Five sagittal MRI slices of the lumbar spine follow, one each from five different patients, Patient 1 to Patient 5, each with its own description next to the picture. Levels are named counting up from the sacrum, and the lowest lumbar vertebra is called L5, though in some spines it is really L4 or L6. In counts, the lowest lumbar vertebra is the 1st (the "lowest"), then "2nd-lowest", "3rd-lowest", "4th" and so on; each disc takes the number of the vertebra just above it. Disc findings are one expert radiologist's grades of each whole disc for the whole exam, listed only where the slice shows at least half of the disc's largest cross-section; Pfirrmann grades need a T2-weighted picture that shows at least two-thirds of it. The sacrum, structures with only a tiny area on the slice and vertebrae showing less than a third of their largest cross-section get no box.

Patient 1 of 5:
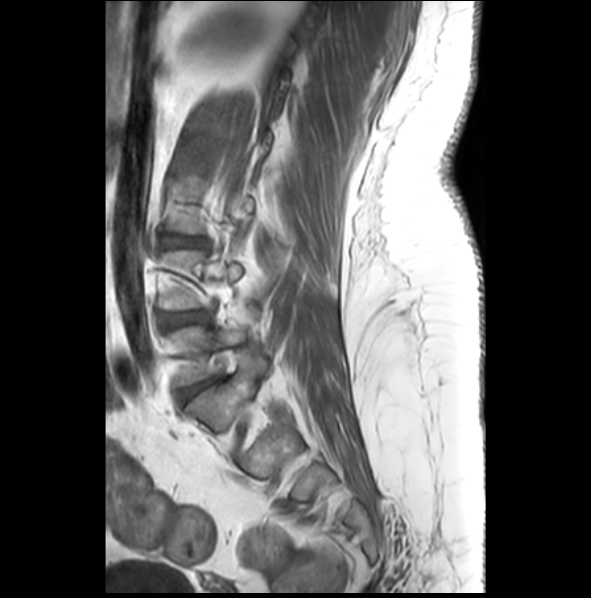 Lumbar spine MR, T1-weighted, sagittal
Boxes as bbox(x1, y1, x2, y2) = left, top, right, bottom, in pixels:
3rd-lowest disc at bbox(164, 233, 205, 245); lowest vertebra at bbox(170, 307, 258, 384); lowest disc at bbox(181, 376, 218, 401); 2nd-lowest disc at bbox(164, 312, 206, 326).

Degenerative findings by level:
  3rd-lowest disc: disc bulging, disc narrowing, upper-endplate change, Modic type II, lower-endplate change

Patient 2 of 5:
Field of view 240x300 mm, slice spacing 0.9 mm. Sagittal T2 SPACE (3D) lumbar spine MRI. 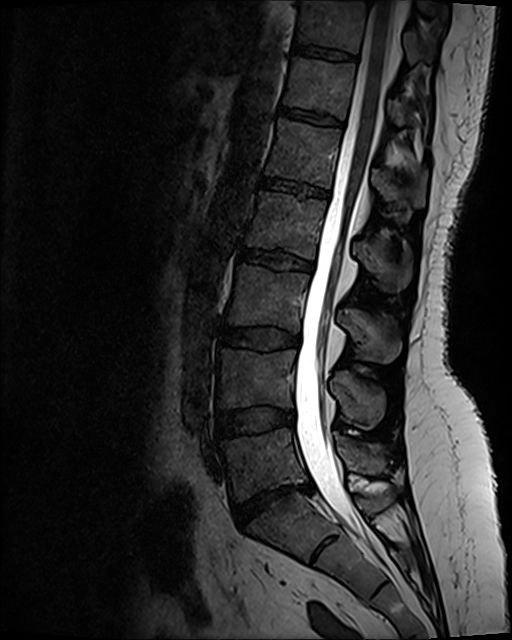
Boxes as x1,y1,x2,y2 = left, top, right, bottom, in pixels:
L5/S1 — 233,485,311,528 | T12/L1 — 280,107,342,129 | L2 vertebra — 244,193,411,290 | L4 vertebra — 219,350,384,428 | L1 vertebra — 267,120,426,207 | T11 — 300,2,430,63 | intervertebral disc L1/L2 — 261,179,328,198 | intervertebral disc T11/T12 — 293,47,354,60 | L3/L4 — 221,328,299,349 | L3 — 227,266,400,363 | L2/L3 — 239,249,313,270 | L5 — 221,428,385,500 | L4/L5 — 216,408,292,438 | T12 vertebra — 285,58,406,125 | spinal canal — 294,1,394,547

Radiological gradings:
  L1/L2: Pfirrmann grade 2, upper-endplate change, lower-endplate change
  L5/S1: Pfirrmann grade 1, disc narrowing, disc herniation, disc bulging
  L3/L4: Pfirrmann grade 2, disc bulging
  L2/L3: Pfirrmann grade 4, disc bulging, lower-endplate change, upper-endplate change
  T11/T12: Pfirrmann grade 2
  T12/L1: Pfirrmann grade 2, upper-endplate change, lower-endplate change
  L4/L5: Pfirrmann grade 2, disc bulging

Patient 3 of 5:
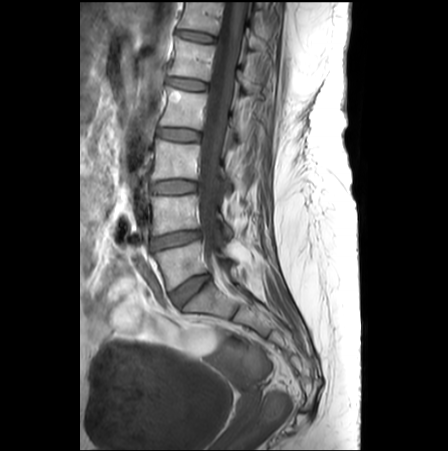
Sagittal T1-weighted lumbar spine MRI

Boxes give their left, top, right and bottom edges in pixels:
L3/L4 at left=150, top=180, right=195, bottom=193; intervertebral disc L2/L3 at left=157, top=128, right=199, bottom=140; intervertebral disc L5/S1 at left=171, top=274, right=210, bottom=304; L3 at left=152, top=139, right=232, bottom=188; L4 vertebra at left=148, top=195, right=232, bottom=237; L4/L5 at left=150, top=230, right=200, bottom=248; T12 vertebra at left=178, top=2, right=266, bottom=53; L1 at left=168, top=37, right=259, bottom=92; L5 vertebra at left=153, top=241, right=235, bottom=290; intervertebral disc L1/L2 at left=167, top=76, right=206, bottom=90; L2 at left=160, top=86, right=244, bottom=139; spinal canal at left=197, top=0, right=244, bottom=267; T12/L1 at left=176, top=30, right=214, bottom=42.

Expert MSK radiologist gradings (per disc):
- L4/L5: disc narrowing
- L1/L2: lower-endplate change, Modic type II, upper-endplate change
- T12/L1, L5/S1, L3/L4, L2/L3: no Modic or endplate change, herniation, narrowing, bulging or spondylolisthesis recorded

Patient 4 of 5:
Lumbar spine MR, T1-weighted, sagittal | Scanner: SIEMENS Avanto_fit (1.5T) 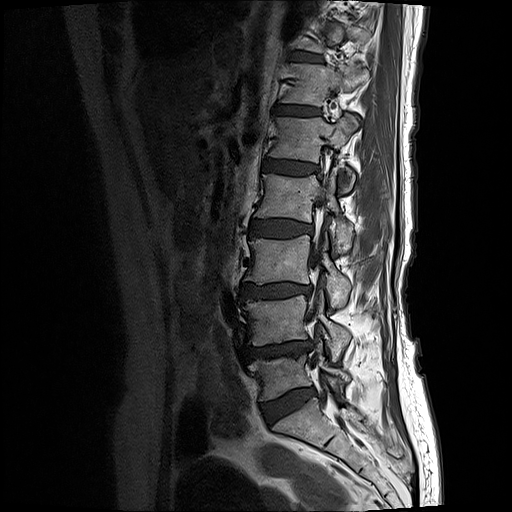 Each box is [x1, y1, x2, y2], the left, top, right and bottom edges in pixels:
6th disc at [277, 106, 320, 116], 2nd-lowest disc at [244, 341, 314, 360], 4th disc at [253, 219, 313, 237], 3rd-lowest disc at [240, 282, 313, 298], lowest vertebra at [249, 354, 351, 400], 5th vertebra at [268, 116, 356, 192], 3rd-lowest vertebra at [245, 235, 353, 303], 4th vertebra at [255, 170, 354, 249], spinal canal at [308, 178, 338, 409], 5th disc at [264, 160, 318, 174], 2nd-lowest vertebra at [240, 295, 351, 360], 7th disc at [291, 54, 322, 61], lowest disc at [260, 389, 315, 421], 6th vertebra at [279, 62, 368, 105].

Per-level radiological findings:
  lowest disc: disc bulging
  6th disc: Modic type II, lower-endplate change, upper-endplate change
  2nd-lowest disc: upper-endplate change, lower-endplate change, disc narrowing, disc bulging, Modic type II
  4th disc: lower-endplate change, Modic type II, upper-endplate change, disc bulging
  3rd-lowest disc: disc bulging, upper-endplate change, lower-endplate change, Modic type II, disc narrowing
  5th disc: lower-endplate change, Modic type II, upper-endplate change

Patient 5 of 5:
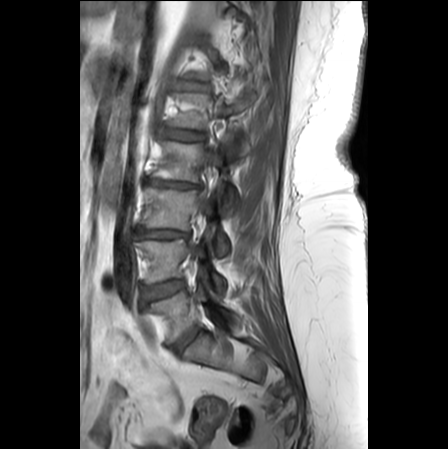
448x449 px | Sagittal T1-weighted lumbar spine MRI
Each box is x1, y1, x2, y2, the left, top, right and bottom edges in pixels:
Annotations:
• thecal sac / spinal canal — 201, 198, 210, 218
• 5th vertebra — 169, 94, 256, 158
• 6th disc — 178, 81, 207, 89
• lowest disc — 171, 328, 200, 352
• lowest vertebra — 148, 285, 237, 343
• 2nd-lowest vertebra — 133, 239, 224, 291
• 3rd-lowest vertebra — 141, 188, 228, 256
• 4th vertebra — 150, 141, 236, 213
• 4th disc — 144, 178, 200, 188
• 2nd-lowest disc — 143, 279, 185, 301
• 5th disc — 161, 129, 205, 140
• 3rd-lowest disc — 135, 227, 189, 238

Per-level radiological findings:
• 3rd-lowest disc: disc narrowing, upper-endplate change, disc bulging, lower-endplate change
• 4th disc: upper-endplate change, disc herniation, disc narrowing, Modic type II, lower-endplate change
• 2nd-lowest disc: upper-endplate change, Modic type II, disc bulging, lower-endplate change
• 5th disc: disc bulging
• 6th disc: upper-endplate change